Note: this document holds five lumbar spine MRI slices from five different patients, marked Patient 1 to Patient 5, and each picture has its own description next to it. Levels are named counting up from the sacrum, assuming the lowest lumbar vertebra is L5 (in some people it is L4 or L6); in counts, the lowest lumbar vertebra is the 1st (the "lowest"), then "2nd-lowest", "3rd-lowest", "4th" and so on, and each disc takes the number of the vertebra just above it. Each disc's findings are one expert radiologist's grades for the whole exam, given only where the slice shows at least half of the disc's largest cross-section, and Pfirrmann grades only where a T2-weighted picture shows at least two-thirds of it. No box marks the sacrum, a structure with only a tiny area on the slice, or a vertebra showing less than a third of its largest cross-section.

Patient 1 of 5:
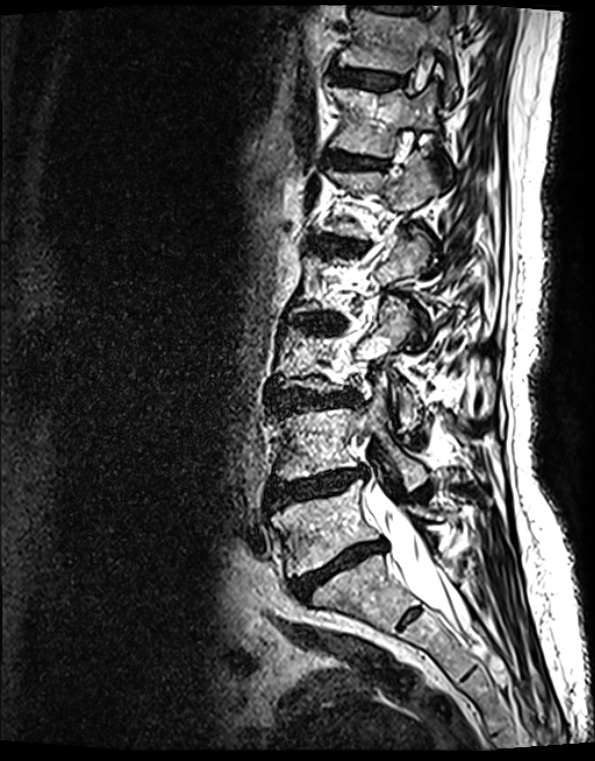 MRI lumbar spine (T2 SPACE (3D)), sagittal plane
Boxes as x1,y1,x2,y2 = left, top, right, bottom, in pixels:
7th disc — 334,69,402,89.
Spinal canal — 371,492,468,629.
6th disc — 328,152,384,169.
7th vertebra — 339,7,459,105.
Lowest vertebra — 272,480,437,576.
Lowest disc — 292,541,383,599.
5th disc — 323,240,335,251.
5th vertebra — 324,156,436,239.
2nd-lowest disc — 270,468,364,507.
2nd-lowest vertebra — 276,376,426,491.
6th vertebra — 332,86,436,158.
3rd-lowest disc — 276,389,357,410.

Per-level radiological findings:
  3rd-lowest disc: Pfirrmann grade 4, disc narrowing, Modic type II, upper-endplate change, disc bulging, lower-endplate change
  6th disc: upper-endplate change, Modic type II, lower-endplate change
  2nd-lowest disc: Pfirrmann grade 4, disc herniation, Modic type II, disc narrowing, disc bulging, upper-endplate change, lower-endplate change
  7th disc: Pfirrmann grade 2, Modic type II, lower-endplate change, upper-endplate change
  lowest disc: Pfirrmann grade 5, disc narrowing, upper-endplate change, Modic type II, disc bulging, lower-endplate change

Patient 2 of 5:
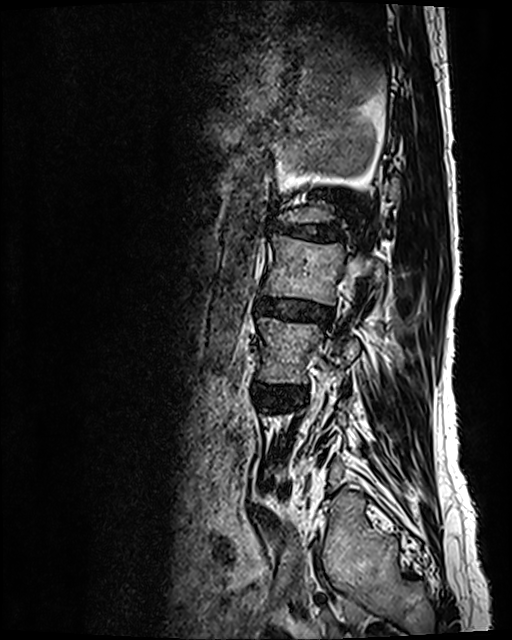 T2 SPACE (3D) sagittal MRI of the lumbar spine | 512x640 px
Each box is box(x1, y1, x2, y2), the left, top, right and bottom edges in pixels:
{"L3 vertebra": "box(259, 317, 359, 383)", "L2": "box(263, 235, 384, 304)", "intervertebral disc L1/L2": "box(276, 222, 341, 240)", "intervertebral disc L2/L3": "box(258, 298, 332, 323)", "intervertebral disc L3/L4": "box(256, 384, 301, 403)"}

Degenerative findings by level:
  L1/L2: Pfirrmann grade 5, disc narrowing, disc bulging, lower-endplate change, Modic type II, upper-endplate change
  L2/L3: Pfirrmann grade 3, disc narrowing, disc bulging

Patient 3 of 5:
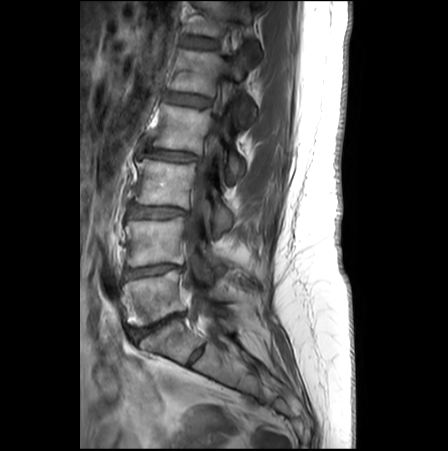
Sagittal slice index 16, MRI lumbar spine (T1-weighted), sagittal plane, Patient sex: F, Field of view 280x282 mm, slice spacing 3.3 mm, Image 448x451

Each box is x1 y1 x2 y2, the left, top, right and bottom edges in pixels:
Annotations:
- L2/L3: 146 147 200 161
- T12 vertebra: 190 0 259 52
- L4/L5: 122 263 183 279
- L3/L4: 128 205 187 218
- L1/L2: 167 92 211 107
- L2: 152 105 244 184
- T12/L1: 184 37 217 48
- thecal sac / spinal canal: 183 116 220 334
- L1 vertebra: 170 49 255 124
- L5/S1: 133 313 182 337
- L4 vertebra: 126 216 226 272
- L5 vertebra: 125 269 226 326
- L3: 135 156 234 233

Radiological gradings:
- L3/L4: disc bulging, Modic type II
- L4/L5: Modic type II, upper-endplate change, disc bulging, disc narrowing
- L2/L3: disc narrowing, disc bulging
- T12/L1, L1/L2: no Modic or endplate change, herniation, narrowing, bulging or spondylolisthesis recorded

Patient 4 of 5:
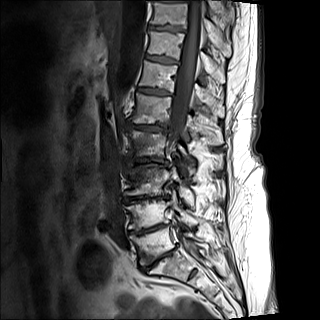 Lumbar spine MR, T1-weighted, sagittal
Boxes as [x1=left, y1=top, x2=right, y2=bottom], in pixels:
L5 (lowest vertebra) — [x1=130, y1=226, x2=202, y2=265].
T12/L1 (6th disc) — [x1=137, y1=87, x2=169, y2=94].
L3 (3rd-lowest vertebra) — [x1=125, y1=164, x2=194, y2=205].
L1 (5th vertebra) — [x1=131, y1=93, x2=223, y2=145].
T10 (8th vertebra) — [x1=150, y1=1, x2=230, y2=56].
T11 (7th vertebra) — [x1=148, y1=31, x2=224, y2=83].
Thecal sac / spinal canal — [x1=169, y1=0, x2=204, y2=242].
L2 (4th vertebra) — [x1=126, y1=130, x2=222, y2=168].
Intervertebral disc L2/L3 (4th disc) — [x1=134, y1=158, x2=168, y2=166].
L1/L2 (5th disc) — [x1=127, y1=123, x2=165, y2=131].
L3/L4 (3rd-lowest disc) — [x1=124, y1=195, x2=168, y2=203].
T10/T11 (8th disc) — [x1=149, y1=25, x2=183, y2=31].
T12 (6th vertebra) — [x1=139, y1=60, x2=224, y2=117].
T11/T12 (7th disc) — [x1=146, y1=55, x2=176, y2=63].
L4 (2nd-lowest vertebra) — [x1=125, y1=190, x2=198, y2=229].
L4/L5 (2nd-lowest disc) — [x1=130, y1=223, x2=169, y2=235].
L5/S1 (lowest disc) — [x1=148, y1=246, x2=176, y2=268].

Per-level radiological findings:
• L1/L2 (5th disc): disc bulging, upper-endplate change, disc narrowing, lower-endplate change, Modic type I
• T10/T11 (8th disc): upper-endplate change
• L4/L5 (2nd-lowest disc): disc bulging, disc narrowing, Modic type II, upper-endplate change, lower-endplate change
• T11/T12 (7th disc): upper-endplate change
• L3/L4 (3rd-lowest disc): lower-endplate change, disc narrowing, Modic type II, upper-endplate change, disc bulging
• T12/L1 (6th disc): no herniation, bulging, narrowing, spondylolisthesis, endplate or Modic change recorded

Patient 5 of 5:
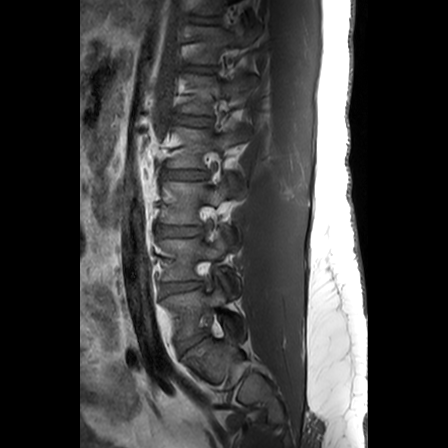 T1-weighted sagittal MRI of the lumbar spine | Field of view 280x280 mm | 448x448 px

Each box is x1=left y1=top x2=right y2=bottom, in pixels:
T12/L1 = x1=188 y1=66 x2=215 y2=72.
IVD T11/T12 = x1=194 y1=17 x2=216 y2=23.
L4 vertebra = x1=161 y1=227 x2=240 y2=296.
L5 = x1=164 y1=283 x2=244 y2=338.
T12 = x1=191 y1=27 x2=251 y2=63.
L2 = x1=167 y1=127 x2=248 y2=167.
L2/L3 = x1=163 y1=170 x2=207 y2=178.
L3/L4 = x1=159 y1=226 x2=202 y2=235.
IVD L4/L5 = x1=161 y1=281 x2=201 y2=295.
L5/S1 = x1=177 y1=332 x2=206 y2=352.
L3 vertebra = x1=162 y1=175 x2=235 y2=224.
L1 vertebra = x1=180 y1=75 x2=254 y2=113.
L1/L2 = x1=170 y1=114 x2=210 y2=125.

Per-level radiological findings:
• L2/L3: disc bulging
• L1/L2, L4/L5, L3/L4: no herniation, bulging, narrowing, spondylolisthesis, endplate or Modic change recorded